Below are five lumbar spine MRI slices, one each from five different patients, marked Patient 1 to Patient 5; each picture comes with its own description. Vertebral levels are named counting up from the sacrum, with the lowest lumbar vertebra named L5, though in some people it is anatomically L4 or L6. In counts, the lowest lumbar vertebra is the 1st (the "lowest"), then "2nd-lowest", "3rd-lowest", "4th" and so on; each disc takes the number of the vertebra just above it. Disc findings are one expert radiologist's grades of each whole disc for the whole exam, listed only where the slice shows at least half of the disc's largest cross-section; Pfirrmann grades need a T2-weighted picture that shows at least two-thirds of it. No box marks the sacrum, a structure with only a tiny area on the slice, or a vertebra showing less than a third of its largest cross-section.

Patient 1 of 5:
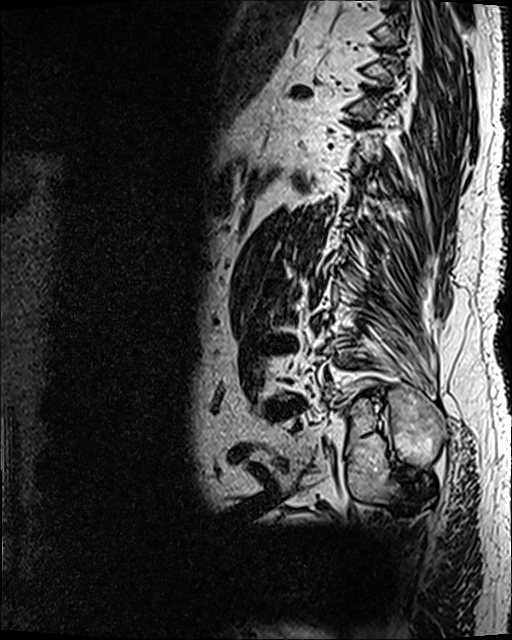

512x640 px. Field of view 240x300 mm. Slice 29 of 120. MRI lumbar spine (T2 SPACE (3D)), sagittal plane.
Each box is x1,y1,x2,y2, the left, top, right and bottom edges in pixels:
Structures:
* L4/L5 — 261,397,307,419
* intervertebral disc L3/L4 — 263,336,296,352
* intervertebral disc T10/T11 — 293,87,308,95

Patient 2 of 5:
Slice 5 of 15; Lumbar spine MR, T2-weighted, sagittal

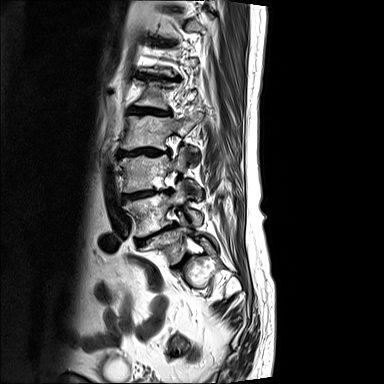 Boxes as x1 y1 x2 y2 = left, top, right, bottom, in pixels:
L2: 121 112 203 150.
L4: 124 181 202 236.
L3/L4: 124 190 171 199.
Intervertebral disc L1/L2: 131 108 169 114.
L3 vertebra: 120 147 200 195.
L5 vertebra: 147 214 189 263.
Intervertebral disc L2/L3: 118 147 169 156.
T12/L1: 143 75 163 79.

Radiological gradings:
- L1/L2: Modic type II, upper-endplate change, disc narrowing, disc bulging, lower-endplate change
- L3/L4: Pfirrmann grade 5, lower-endplate change, disc bulging, disc narrowing, upper-endplate change, Modic type II
- L2/L3: Pfirrmann grade 5, lower-endplate change, upper-endplate change, disc narrowing, disc bulging, Modic type II

Patient 3 of 5:
T2 SPACE (3D) sagittal MRI of the lumbar spine. 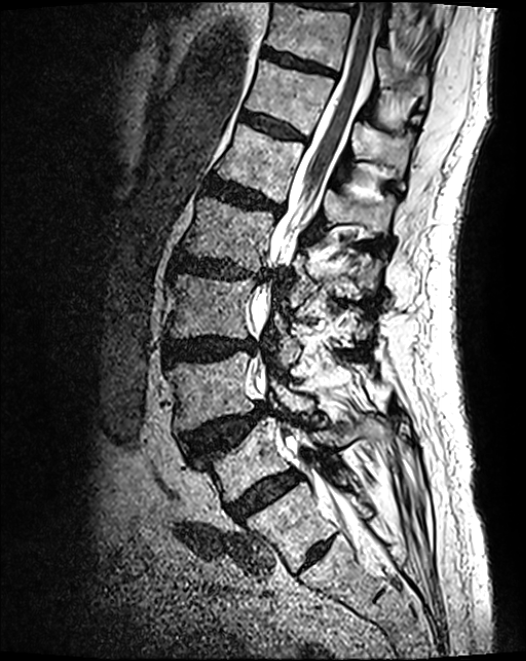
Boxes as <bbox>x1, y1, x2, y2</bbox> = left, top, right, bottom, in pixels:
lowest vertebra: <bbox>201, 418, 364, 501</bbox> | 4th disc: <bbox>171, 253, 268, 283</bbox> | 3rd-lowest vertebra: <bbox>166, 275, 373, 368</bbox> | 7th disc: <bbox>262, 49, 334, 75</bbox> | 2nd-lowest vertebra: <bbox>168, 354, 313, 431</bbox> | 7th vertebra: <bbox>266, 3, 427, 103</bbox> | 6th disc: <bbox>243, 113, 305, 141</bbox> | 2nd-lowest disc: <bbox>182, 404, 271, 459</bbox> | 5th disc: <bbox>206, 179, 282, 213</bbox> | thecal sac / spinal canal: <bbox>252, 0, 381, 532</bbox> | 3rd-lowest disc: <bbox>163, 339, 255, 365</bbox> | lowest disc: <bbox>227, 472, 299, 521</bbox> | 4th vertebra: <bbox>182, 197, 384, 307</bbox> | 5th vertebra: <bbox>217, 124, 396, 239</bbox> | 6th vertebra: <bbox>246, 61, 410, 187</bbox>

Per-level radiological findings:
• 7th disc: Pfirrmann grade 3, lower-endplate change
• lowest disc: Pfirrmann grade 4
• 4th disc: Pfirrmann grade 4, disc bulging, lower-endplate change, upper-endplate change, disc narrowing
• 3rd-lowest disc: Pfirrmann grade 4, disc bulging
• 6th disc: Pfirrmann grade 3
• 2nd-lowest disc: Pfirrmann grade 4, disc herniation, spondylolisthesis, upper-endplate change
• 5th disc: Pfirrmann grade 4, lower-endplate change, upper-endplate change, disc bulging

Patient 4 of 5:
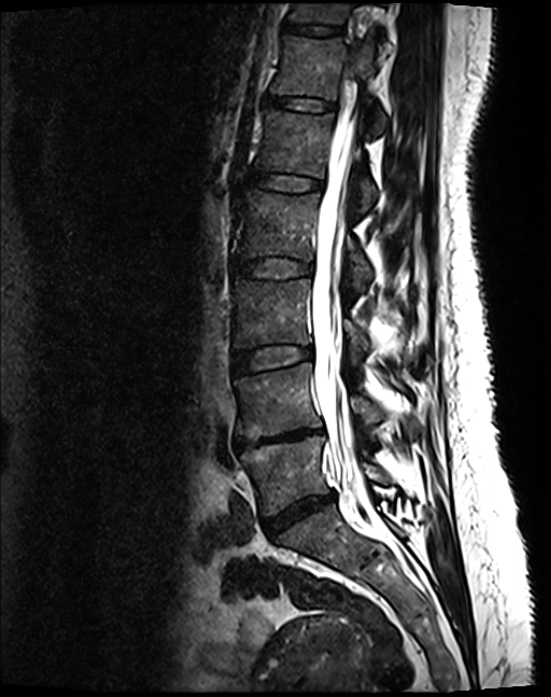 T2 SPACE (3D) sagittal MRI of the lumbar spine
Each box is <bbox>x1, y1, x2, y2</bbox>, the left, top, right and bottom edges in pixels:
Thecal sac / spinal canal at <bbox>312, 99, 365, 501</bbox>, 3rd-lowest vertebra at <bbox>231, 280, 368, 360</bbox>, 7th disc at <bbox>283, 22, 341, 35</bbox>, 7th vertebra at <bbox>288, 3, 349, 24</bbox>, 4th disc at <bbox>233, 257, 312, 277</bbox>, lowest vertebra at <bbox>241, 435, 387, 516</bbox>, 6th disc at <bbox>265, 96, 333, 110</bbox>, 5th vertebra at <bbox>255, 110, 376, 211</bbox>, 5th disc at <bbox>248, 173, 322, 190</bbox>, 2nd-lowest vertebra at <bbox>235, 364, 419, 438</bbox>, 2nd-lowest disc at <bbox>235, 428, 323, 450</bbox>, lowest disc at <bbox>264, 493, 335, 535</bbox>, 4th vertebra at <bbox>235, 190, 370, 291</bbox>, 3rd-lowest disc at <bbox>233, 346, 312, 374</bbox>, 6th vertebra at <bbox>271, 36, 385, 132</bbox>.

Expert MSK radiologist gradings (per disc):
- 2nd-lowest disc: Pfirrmann grade 5, Modic type II, disc narrowing, lower-endplate change, disc bulging, upper-endplate change
- lowest disc: Pfirrmann grade 4, disc narrowing, disc bulging
- 4th disc: Pfirrmann grade 2
- 5th disc: Pfirrmann grade 2
- 3rd-lowest disc: Pfirrmann grade 2
- 6th disc: Pfirrmann grade 2
- 7th disc: Pfirrmann grade 2

Patient 5 of 5:
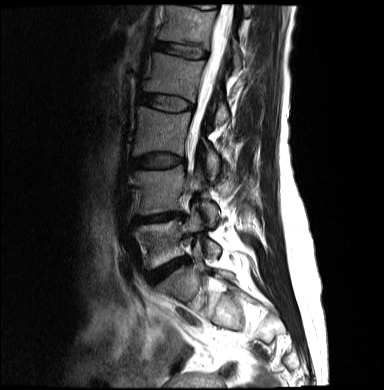
T2-weighted sagittal MRI of the lumbar spine
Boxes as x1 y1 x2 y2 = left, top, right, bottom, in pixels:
Annotations:
- thecal sac / spinal canal = 189 4 232 144
- L5 = 133 210 220 268
- L3 = 133 107 219 178
- L2/L3 = 140 93 192 112
- L1 vertebra = 159 6 242 69
- L5/S1 = 147 257 187 283
- IVD L4/L5 = 134 214 179 224
- IVD L1/L2 = 156 42 207 58
- L3/L4 = 133 155 184 168
- L2 vertebra = 144 53 228 124
- L4 vertebra = 135 166 217 226

Degenerative findings by level:
• L1/L2: Pfirrmann grade 2
• L2/L3: Pfirrmann grade 2
• L3/L4: Pfirrmann grade 2